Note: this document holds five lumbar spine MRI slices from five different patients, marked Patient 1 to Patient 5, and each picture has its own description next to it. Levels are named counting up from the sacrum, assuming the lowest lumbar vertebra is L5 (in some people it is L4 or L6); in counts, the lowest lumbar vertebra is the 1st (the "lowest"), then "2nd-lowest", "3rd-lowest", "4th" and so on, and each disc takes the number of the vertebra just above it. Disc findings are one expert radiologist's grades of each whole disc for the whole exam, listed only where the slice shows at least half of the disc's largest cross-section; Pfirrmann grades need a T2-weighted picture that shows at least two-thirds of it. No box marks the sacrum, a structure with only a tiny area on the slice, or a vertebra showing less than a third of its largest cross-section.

Patient 1 of 5:
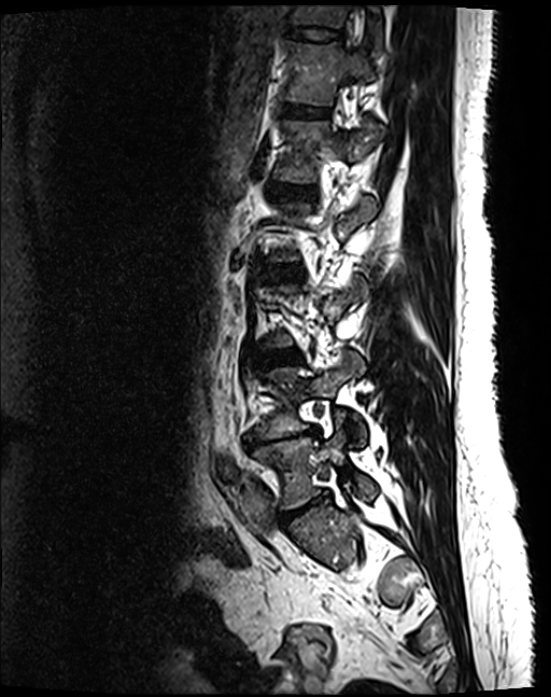

Sagittal T2 SPACE (3D) lumbar spine MRI, Patient sex: F, Field of view 240x304 mm, slice spacing 0.9 mm, 551x697 px
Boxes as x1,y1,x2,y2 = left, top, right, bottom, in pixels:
{"L1": "272,118,381,182", "L5": "252,419,375,509", "L4": "245,354,367,445", "IVD L3/L4": "261,350,300,364", "T12": "282,40,373,104", "IVD L5/S1": "279,495,325,524", "L1/L2": "268,183,314,195", "L4/L5": "243,427,319,448", "T11": "287,5,383,53", "L2/L3": "267,266,300,277", "IVD T11/T12": "284,26,341,39", "IVD T12/L1": "279,103,328,116"}

Degenerative findings by level:
  T11/T12: Pfirrmann grade 2
  T12/L1: no herniation, bulging, narrowing, spondylolisthesis, endplate or Modic change recorded

Patient 2 of 5:
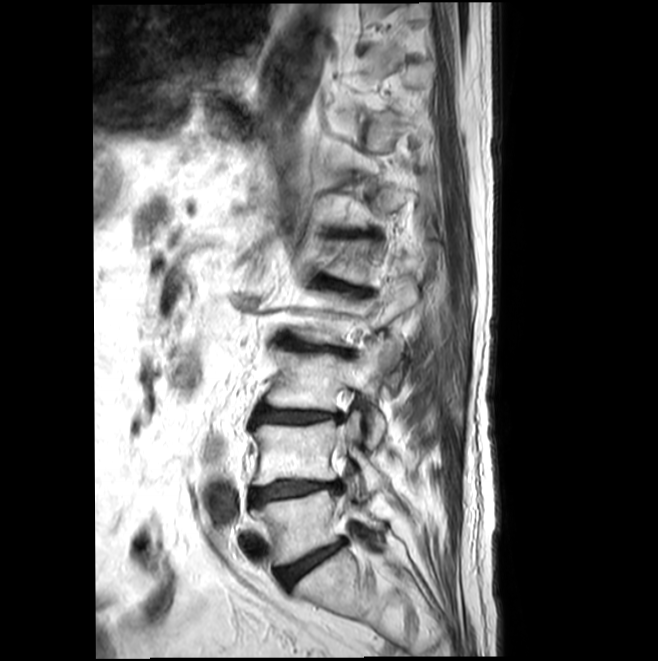 T2-weighted sagittal MRI of the lumbar spine. 658x661 px. Sagittal slice index 14.

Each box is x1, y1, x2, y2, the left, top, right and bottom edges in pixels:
Annotations:
- L3: 266, 340, 391, 444
- thecal sac / spinal canal: 344, 439, 355, 456
- L5/S1: 277, 540, 345, 588
- L4 vertebra: 252, 412, 386, 493
- L5 vertebra: 251, 489, 382, 565
- L3/L4: 254, 407, 342, 423
- L2/L3: 279, 339, 349, 356
- L4/L5: 250, 482, 341, 506
- L2 vertebra: 292, 249, 417, 345
- L1: 322, 240, 424, 285
- IVD L1/L2: 317, 277, 370, 294

Degenerative findings by level:
• L4/L5: Pfirrmann grade 5, lower-endplate change, disc bulging, upper-endplate change, disc narrowing, Modic type II
• L5/S1: Modic type II, disc bulging, disc narrowing
• L3/L4: Pfirrmann grade 3, Modic type II, disc bulging, lower-endplate change, upper-endplate change, disc narrowing

Patient 3 of 5:
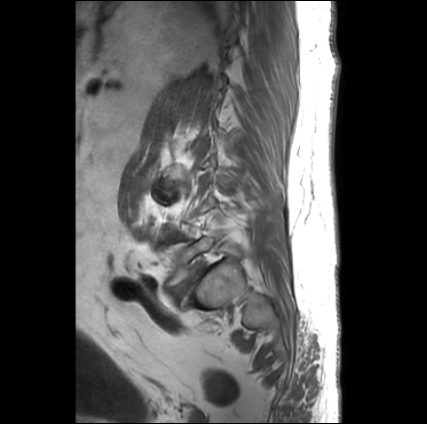 MRI lumbar spine (T1-weighted), sagittal plane

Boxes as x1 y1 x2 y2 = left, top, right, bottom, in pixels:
Segmented structures:
- L4/L5 (2nd-lowest disc) — 166 235 182 241
- L5/S1 (lowest disc) — 173 267 202 299
- L5 (lowest vertebra) — 164 229 223 288

Patient 4 of 5:
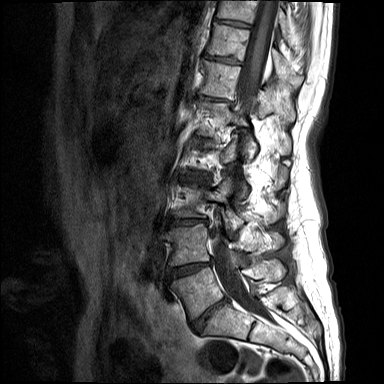

Lumbar spine MR, T1-weighted, sagittal.

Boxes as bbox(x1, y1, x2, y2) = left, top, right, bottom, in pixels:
lowest vertebra: bbox(172, 259, 283, 318)
7th disc: bbox(205, 54, 238, 63)
lowest disc: bbox(192, 298, 226, 332)
8th disc: bbox(216, 19, 251, 28)
3rd-lowest disc: bbox(171, 218, 201, 224)
3rd-lowest vertebra: bbox(176, 176, 282, 230)
8th vertebra: bbox(217, 0, 288, 38)
2nd-lowest vertebra: bbox(169, 223, 275, 265)
7th vertebra: bbox(208, 22, 287, 75)
6th vertebra: bbox(201, 61, 279, 117)
6th disc: bbox(200, 95, 226, 100)
5th vertebra: bbox(202, 101, 290, 157)
spinal canal: bbox(212, 0, 276, 311)
2nd-lowest disc: bbox(169, 262, 210, 276)

Expert MSK radiologist gradings (per disc):
  lowest disc: disc bulging, upper-endplate change, disc narrowing, lower-endplate change
  2nd-lowest disc: disc bulging, upper-endplate change, disc narrowing, lower-endplate change
  7th disc: lower-endplate change, upper-endplate change
  8th disc: no spondylolisthesis, narrowing, bulging, herniation, Modic or endplate change recorded

Patient 5 of 5:
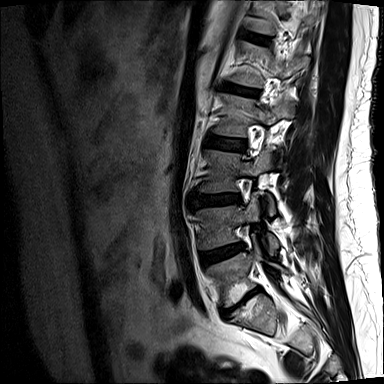 Lumbar spine MR, T2-weighted, sagittal. Patient sex: M. Image 384x384. Slice 4 of 15.

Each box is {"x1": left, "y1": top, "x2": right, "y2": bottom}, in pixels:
intervertebral disc L1/L2 (5th disc): {"x1": 222, "y1": 85, "x2": 258, "y2": 96}
L2 (4th vertebra): {"x1": 213, "y1": 94, "x2": 293, "y2": 167}
intervertebral disc L3/L4 (3rd-lowest disc): {"x1": 192, "y1": 194, "x2": 236, "y2": 207}
L3 (3rd-lowest vertebra): {"x1": 200, "y1": 150, "x2": 274, "y2": 216}
intervertebral disc L5/S1 (lowest disc): {"x1": 231, "y1": 288, "x2": 258, "y2": 309}
L4/L5 (2nd-lowest disc): {"x1": 203, "y1": 244, "x2": 242, "y2": 267}
L5 (lowest vertebra): {"x1": 207, "y1": 240, "x2": 287, "y2": 306}
intervertebral disc L2/L3 (4th disc): {"x1": 205, "y1": 137, "x2": 245, "y2": 151}
L4 (2nd-lowest vertebra): {"x1": 198, "y1": 194, "x2": 277, "y2": 255}
intervertebral disc T12/L1 (6th disc): {"x1": 245, "y1": 34, "x2": 268, "y2": 43}

Expert MSK radiologist gradings (per disc):
- L5/S1 (lowest disc): disc bulging, disc narrowing, upper-endplate change, lower-endplate change, Modic type II
- L1/L2 (5th disc): upper-endplate change
- L2/L3 (4th disc): Pfirrmann grade 1
- L3/L4 (3rd-lowest disc): Pfirrmann grade 1, disc bulging
- L4/L5 (2nd-lowest disc): lower-endplate change, disc bulging, disc narrowing